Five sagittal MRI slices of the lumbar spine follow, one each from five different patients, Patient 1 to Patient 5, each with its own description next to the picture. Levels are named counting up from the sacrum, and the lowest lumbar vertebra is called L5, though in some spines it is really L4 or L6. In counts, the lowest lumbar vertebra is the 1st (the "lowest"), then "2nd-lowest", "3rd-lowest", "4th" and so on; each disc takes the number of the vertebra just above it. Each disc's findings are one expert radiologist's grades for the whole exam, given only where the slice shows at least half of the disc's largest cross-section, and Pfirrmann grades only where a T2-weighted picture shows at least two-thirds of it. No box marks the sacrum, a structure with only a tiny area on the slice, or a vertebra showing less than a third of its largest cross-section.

Patient 1 of 5:
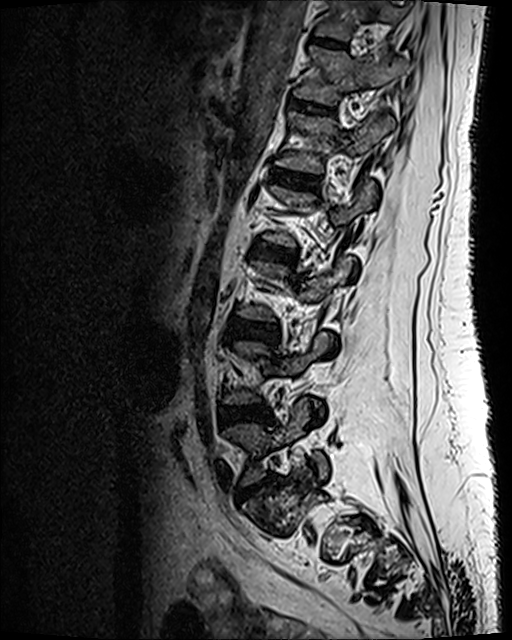 Sagittal T2 SPACE (3D) lumbar spine MRI | Patient sex: F
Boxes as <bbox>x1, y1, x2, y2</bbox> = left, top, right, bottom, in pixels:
2nd-lowest disc: <bbox>221, 406, 269, 425</bbox> | 3rd-lowest disc: <bbox>227, 319, 277, 339</bbox> | 6th disc: <bbox>292, 101, 332, 113</bbox> | 4th disc: <bbox>252, 242, 295, 262</bbox> | lowest disc: <bbox>241, 477, 273, 496</bbox> | 7th vertebra: <bbox>317, 0, 407, 40</bbox> | 7th disc: <bbox>312, 36, 344, 47</bbox> | 5th disc: <bbox>276, 171, 318, 189</bbox> | 6th vertebra: <bbox>294, 47, 407, 104</bbox> | lowest vertebra: <bbox>225, 400, 329, 484</bbox> | 5th vertebra: <bbox>276, 112, 393, 172</bbox>

Patient 2 of 5:
T1-weighted sagittal MRI of the lumbar spine. Patient sex: F. Sagittal slice index 21.
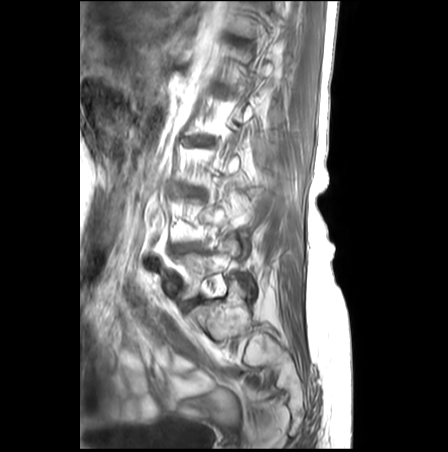

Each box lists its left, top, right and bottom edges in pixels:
{"2nd-lowest disc": "left=171, top=244, right=199, bottom=253", "lowest vertebra": "left=176, top=235, right=239, bottom=299", "lowest disc": "left=184, top=298, right=201, bottom=310", "4th disc": "left=191, top=137, right=210, bottom=144", "3rd-lowest disc": "left=180, top=187, right=201, bottom=195"}

Patient 3 of 5:
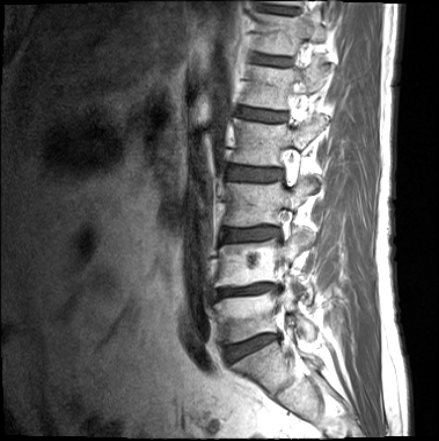 Patient sex: M, MRI lumbar spine (T1-weighted), sagittal plane
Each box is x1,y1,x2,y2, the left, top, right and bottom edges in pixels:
IVD T12/L1: 255,55,290,65.
L1: 242,64,330,109.
T12 vertebra: 255,14,329,55.
L2: 232,116,328,165.
L4/L5: 217,284,279,298.
L5: 213,283,315,342.
L4: 214,231,314,303.
L3/L4: 224,228,279,241.
IVD L1/L2: 240,107,285,121.
IVD T11/T12: 261,5,297,13.
L2/L3: 227,166,282,180.
L3: 226,179,318,226.
IVD L5/S1: 225,334,279,361.

Radiological gradings:
- L1/L2: upper-endplate change, lower-endplate change
- L5/S1: Modic type II, disc bulging, disc narrowing, upper-endplate change, lower-endplate change
- L4/L5: disc bulging, Modic type II, lower-endplate change, upper-endplate change, disc narrowing
- T12/L1: upper-endplate change, lower-endplate change
- L3/L4: upper-endplate change, lower-endplate change, disc bulging
- L2/L3: lower-endplate change, upper-endplate change
- T11/T12: no spondylolisthesis, narrowing, bulging, herniation, Modic or endplate change recorded

Patient 4 of 5:
619x626 px | Patient sex: M | Sagittal slice index 22 | Lumbar spine MR, T1-weighted, sagittal
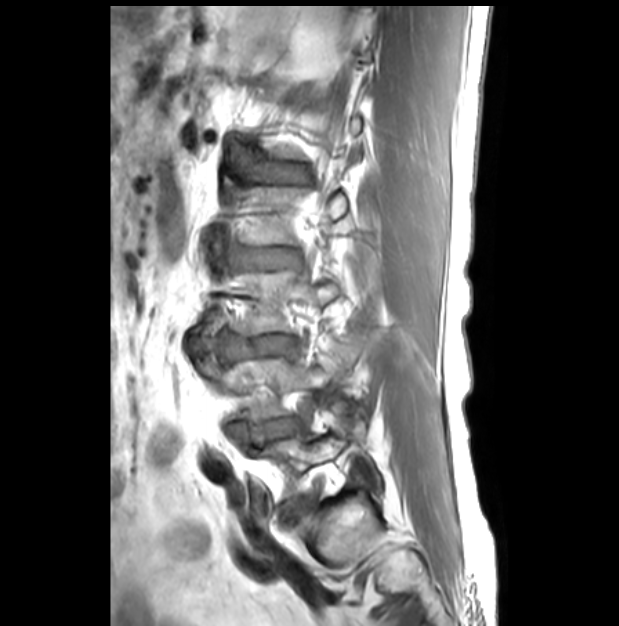

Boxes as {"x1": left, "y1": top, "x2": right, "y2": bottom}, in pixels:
Segmented structures:
- 4th disc at {"x1": 232, "y1": 247, "x2": 303, "y2": 273}
- 2nd-lowest vertebra at {"x1": 206, "y1": 349, "x2": 347, "y2": 424}
- 5th disc at {"x1": 228, "y1": 142, "x2": 311, "y2": 182}
- 2nd-lowest disc at {"x1": 236, "y1": 419, "x2": 297, "y2": 445}
- 3rd-lowest vertebra at {"x1": 235, "y1": 270, "x2": 340, "y2": 335}
- 3rd-lowest disc at {"x1": 193, "y1": 328, "x2": 292, "y2": 362}
- lowest disc at {"x1": 286, "y1": 503, "x2": 299, "y2": 514}
- 4th vertebra at {"x1": 235, "y1": 186, "x2": 346, "y2": 244}
- lowest vertebra at {"x1": 262, "y1": 433, "x2": 382, "y2": 496}

Degenerative findings by level:
• 2nd-lowest disc: spondylolisthesis, lower-endplate change, disc narrowing, disc bulging, upper-endplate change
• 3rd-lowest disc, 5th disc, 4th disc: no Modic or endplate change, herniation, narrowing, bulging or spondylolisthesis recorded

Patient 5 of 5:
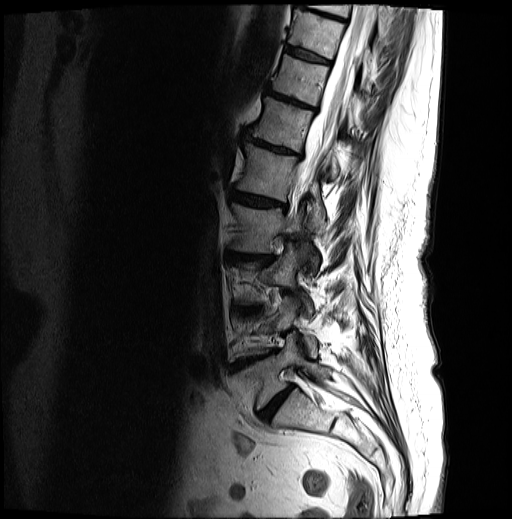 MRI lumbar spine (T2-weighted), sagittal plane; Sagittal slice index 8

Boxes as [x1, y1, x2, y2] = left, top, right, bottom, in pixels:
L5/S1 at [259, 386, 294, 420], L1 vertebra at [236, 143, 325, 232], intervertebral disc L2/L3 at [232, 254, 272, 261], T12/L1 at [243, 130, 299, 155], T11/T12 at [266, 87, 315, 110], L5 vertebra at [237, 334, 331, 409], intervertebral disc L4/L5 at [235, 348, 277, 366], spinal canal at [294, 4, 374, 197], T10 at [288, 9, 369, 73], L2 at [232, 203, 319, 269], L3 vertebra at [241, 245, 312, 314], L1/L2 at [231, 191, 285, 208], T11 at [272, 54, 353, 127], intervertebral disc T10/T11 at [285, 45, 329, 63], T9 vertebra at [307, 4, 387, 35], intervertebral disc T9/T10 at [296, 1, 345, 22], T12 vertebra at [251, 96, 338, 178].

Expert MSK radiologist gradings (per disc):
- L1/L2: Pfirrmann grade 4, Modic type II, disc narrowing, upper-endplate change, lower-endplate change, disc bulging
- T11/T12: Pfirrmann grade 5, upper-endplate change, disc bulging, disc narrowing, Modic type II, lower-endplate change
- T10/T11: Pfirrmann grade 4, Modic type II, lower-endplate change, upper-endplate change
- T12/L1: Pfirrmann grade 4, disc narrowing, lower-endplate change, Modic type II, upper-endplate change, disc bulging
- L2/L3: upper-endplate change, Modic type II, disc narrowing, lower-endplate change, disc bulging
- T9/T10: Pfirrmann grade 4, lower-endplate change, disc bulging, Modic type II, upper-endplate change
- L5/S1: disc narrowing, disc bulging